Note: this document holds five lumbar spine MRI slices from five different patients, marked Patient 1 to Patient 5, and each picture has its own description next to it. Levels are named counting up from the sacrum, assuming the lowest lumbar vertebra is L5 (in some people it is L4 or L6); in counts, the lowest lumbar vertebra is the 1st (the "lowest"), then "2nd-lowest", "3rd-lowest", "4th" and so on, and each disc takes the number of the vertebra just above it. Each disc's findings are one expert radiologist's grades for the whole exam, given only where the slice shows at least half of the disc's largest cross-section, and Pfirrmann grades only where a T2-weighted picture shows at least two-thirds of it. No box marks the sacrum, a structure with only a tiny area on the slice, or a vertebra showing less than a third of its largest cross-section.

Patient 1 of 5:
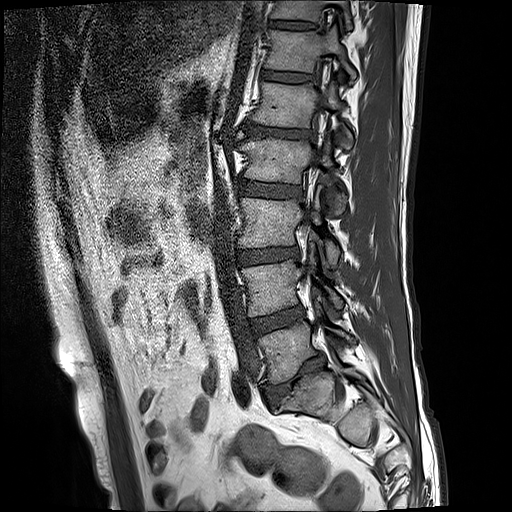
Sagittal T1-weighted lumbar spine MRI; Slice 14/17

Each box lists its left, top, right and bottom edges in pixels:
intervertebral disc L1/L2: left=246, top=122, right=309, bottom=141
L1 vertebra: left=254, top=78, right=341, bottom=128
L3/L4: left=238, top=246, right=299, bottom=265
L3: left=241, top=190, right=339, bottom=269
intervertebral disc L5/S1: left=263, top=354, right=326, bottom=403
T12 vertebra: left=266, top=26, right=356, bottom=80
T11: left=276, top=0, right=349, bottom=24
T12/L1: left=265, top=70, right=312, bottom=83
L2: left=242, top=131, right=333, bottom=183
L4/L5: left=250, top=306, right=304, bottom=333
L4: left=243, top=250, right=341, bottom=317
L5 vertebra: left=260, top=304, right=354, bottom=383
L2/L3: left=240, top=179, right=302, bottom=198
T11/T12: left=271, top=22, right=314, bottom=29

Expert MSK radiologist gradings (per disc):
- L4/L5: Modic type II
- L3/L4: disc bulging, upper-endplate change, lower-endplate change
- L5/S1: upper-endplate change, lower-endplate change, Modic type II, disc narrowing, disc bulging
- T11/T12: upper-endplate change, lower-endplate change
- L1/L2: upper-endplate change, disc bulging, Modic type II, disc narrowing, lower-endplate change
- L2/L3, T12/L1: no spondylolisthesis, narrowing, bulging, herniation, Modic or endplate change recorded

Patient 2 of 5:
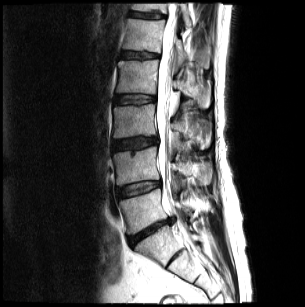

Lumbar spine MR, T2-weighted, sagittal. Slice 12 of 24. Image 305x307.

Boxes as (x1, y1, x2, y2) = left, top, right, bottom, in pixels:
IVD L5/S1 — (129, 217, 175, 244).
L4/L5 — (117, 181, 160, 196).
T12 — (132, 4, 191, 28).
Thecal sac / spinal canal — (157, 5, 177, 201).
IVD L1/L2 — (121, 52, 158, 59).
L3 — (113, 103, 209, 149).
L1 vertebra — (122, 19, 209, 67).
L3/L4 — (113, 137, 156, 149).
L2/L3 — (115, 95, 155, 103).
T12/L1 — (131, 13, 163, 18).
L5 vertebra — (119, 189, 191, 234).
L4 vertebra — (113, 146, 210, 184).
L2 vertebra — (117, 61, 209, 107).

Degenerative findings by level:
  L4/L5: Pfirrmann grade 2, disc bulging
  L1/L2: Pfirrmann grade 2, lower-endplate change, upper-endplate change, Modic type II
  L2/L3: Pfirrmann grade 2, Modic type II
  T12/L1: Pfirrmann grade 3, lower-endplate change, upper-endplate change
  L3/L4: Pfirrmann grade 3, disc bulging, upper-endplate change
  L5/S1: Pfirrmann grade 5, disc narrowing, disc herniation, disc bulging, Modic type II

Patient 3 of 5:
Slice 13 of 26. MRI lumbar spine (T2-weighted), sagittal plane. 448x451 px.

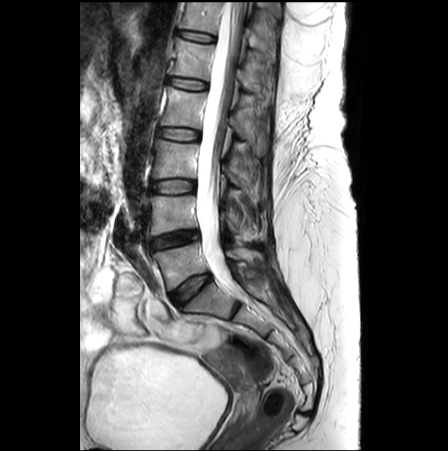

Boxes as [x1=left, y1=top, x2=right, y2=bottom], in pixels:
{"4th disc": "[x1=157, y1=128, x2=199, y2=140]", "4th vertebra": "[x1=161, y1=86, x2=267, y2=155]", "6th vertebra": "[x1=179, y1=2, x2=274, y2=56]", "5th disc": "[x1=167, y1=76, x2=206, y2=90]", "spinal canal": "[x1=196, y1=0, x2=244, y2=291]", "5th vertebra": "[x1=170, y1=37, x2=263, y2=96]", "2nd-lowest vertebra": "[x1=149, y1=195, x2=241, y2=235]", "3rd-lowest vertebra": "[x1=152, y1=139, x2=255, y2=197]", "lowest vertebra": "[x1=152, y1=241, x2=262, y2=290]", "lowest disc": "[x1=170, y1=274, x2=210, y2=305]", "6th disc": "[x1=178, y1=30, x2=214, y2=42]", "2nd-lowest disc": "[x1=151, y1=230, x2=198, y2=248]", "3rd-lowest disc": "[x1=151, y1=180, x2=194, y2=193]"}

Degenerative findings by level:
- lowest disc: Pfirrmann grade 3
- 2nd-lowest disc: Pfirrmann grade 4, disc narrowing
- 4th disc: Pfirrmann grade 1
- 3rd-lowest disc: Pfirrmann grade 1
- 5th disc: Pfirrmann grade 1, upper-endplate change, Modic type II, lower-endplate change
- 6th disc: Pfirrmann grade 1

Patient 4 of 5:
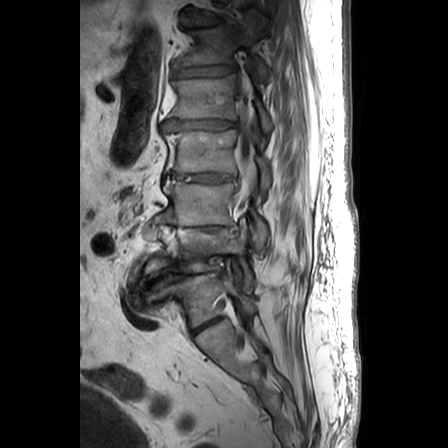 Slice 18/26 | Sagittal T1-weighted lumbar spine MRI

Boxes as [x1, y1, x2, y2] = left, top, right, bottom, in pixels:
L1: [169, 75, 274, 132]
L5: [159, 272, 255, 327]
L2/L3: [171, 173, 232, 182]
L3 vertebra: [161, 181, 269, 254]
T12/L1: [172, 66, 234, 77]
intervertebral disc L1/L2: [162, 120, 233, 130]
T12: [175, 16, 270, 85]
L4: [140, 223, 254, 292]
L4/L5: [146, 269, 210, 286]
T11/T12: [182, 17, 223, 26]
L2: [164, 130, 272, 191]
L3/L4: [168, 224, 229, 231]
intervertebral disc L5/S1: [193, 319, 216, 332]
thecal sac / spinal canal: [237, 80, 255, 205]

Radiological gradings:
• T11/T12: disc bulging, disc narrowing, upper-endplate change
• T12/L1: disc bulging, disc herniation, disc narrowing
• L2/L3: disc bulging, disc narrowing
• L1/L2: disc bulging, disc narrowing

Patient 5 of 5:
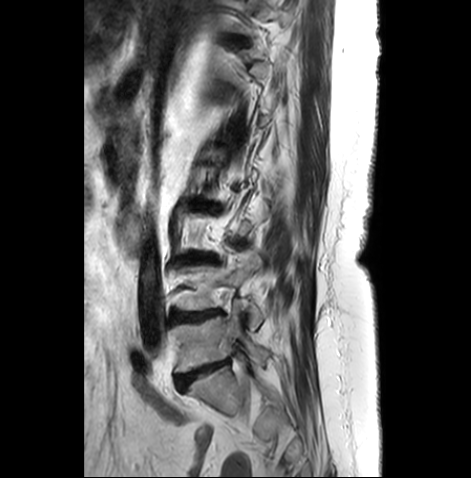 MRI lumbar spine (T2-weighted), sagittal plane; Sex F; 471x478 px
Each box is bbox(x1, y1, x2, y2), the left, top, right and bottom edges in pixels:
Segmented structures:
* L4/L5 (2nd-lowest disc) at bbox(173, 310, 220, 320)
* intervertebral disc L5/S1 (lowest disc) at bbox(176, 361, 226, 389)
* L5 (lowest vertebra) at bbox(171, 305, 268, 372)

Per-level radiological findings:
- L5/S1 (lowest disc): Pfirrmann grade 4, disc bulging, disc narrowing, Modic type II
- L4/L5 (2nd-lowest disc): lower-endplate change, Modic type II, upper-endplate change, disc narrowing, disc bulging